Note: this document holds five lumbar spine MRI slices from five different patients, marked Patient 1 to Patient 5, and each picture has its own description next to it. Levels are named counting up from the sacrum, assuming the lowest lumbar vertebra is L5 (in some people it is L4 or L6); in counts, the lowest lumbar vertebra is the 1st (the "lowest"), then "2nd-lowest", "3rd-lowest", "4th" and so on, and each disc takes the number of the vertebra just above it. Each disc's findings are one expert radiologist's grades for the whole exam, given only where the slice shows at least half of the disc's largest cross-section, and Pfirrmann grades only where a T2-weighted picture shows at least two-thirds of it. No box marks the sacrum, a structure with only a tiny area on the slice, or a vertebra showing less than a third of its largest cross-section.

Patient 1 of 5:
Sagittal T2-weighted lumbar spine MRI, Image 1085x1120
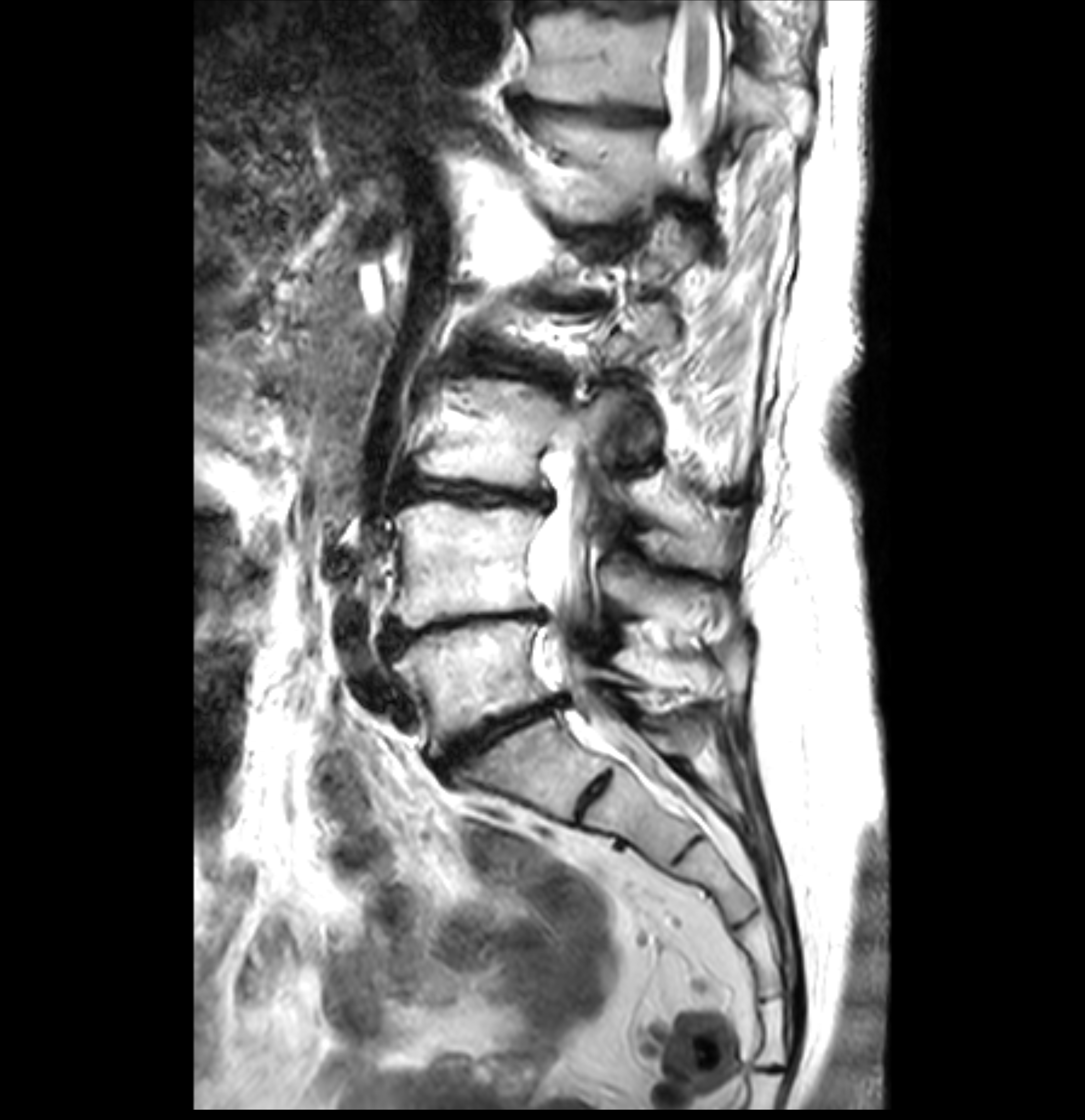 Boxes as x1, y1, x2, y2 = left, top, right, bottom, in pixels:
thecal sac / spinal canal: 535, 31, 721, 749
L4 vertebra: 387, 500, 721, 629
T12 vertebra: 526, 113, 675, 223
T11: 523, 11, 772, 149
intervertebral disc L5/S1: 438, 693, 571, 774
L1/L2: 547, 298, 600, 312
L5 vertebra: 390, 618, 632, 758
L3: 419, 378, 728, 569
intervertebral disc L4/L5: 385, 609, 547, 646
L3/L4: 405, 479, 552, 510
intervertebral disc T11/T12: 511, 93, 668, 126

Radiological gradings:
• T11/T12: Modic type II, disc bulging, upper-endplate change, disc narrowing, lower-endplate change
• L5/S1: Pfirrmann grade 5, lower-endplate change, disc bulging, upper-endplate change, disc herniation, Modic type II, disc narrowing
• L3/L4: Pfirrmann grade 5, upper-endplate change, lower-endplate change, disc narrowing, disc bulging, Modic type II

Patient 2 of 5:
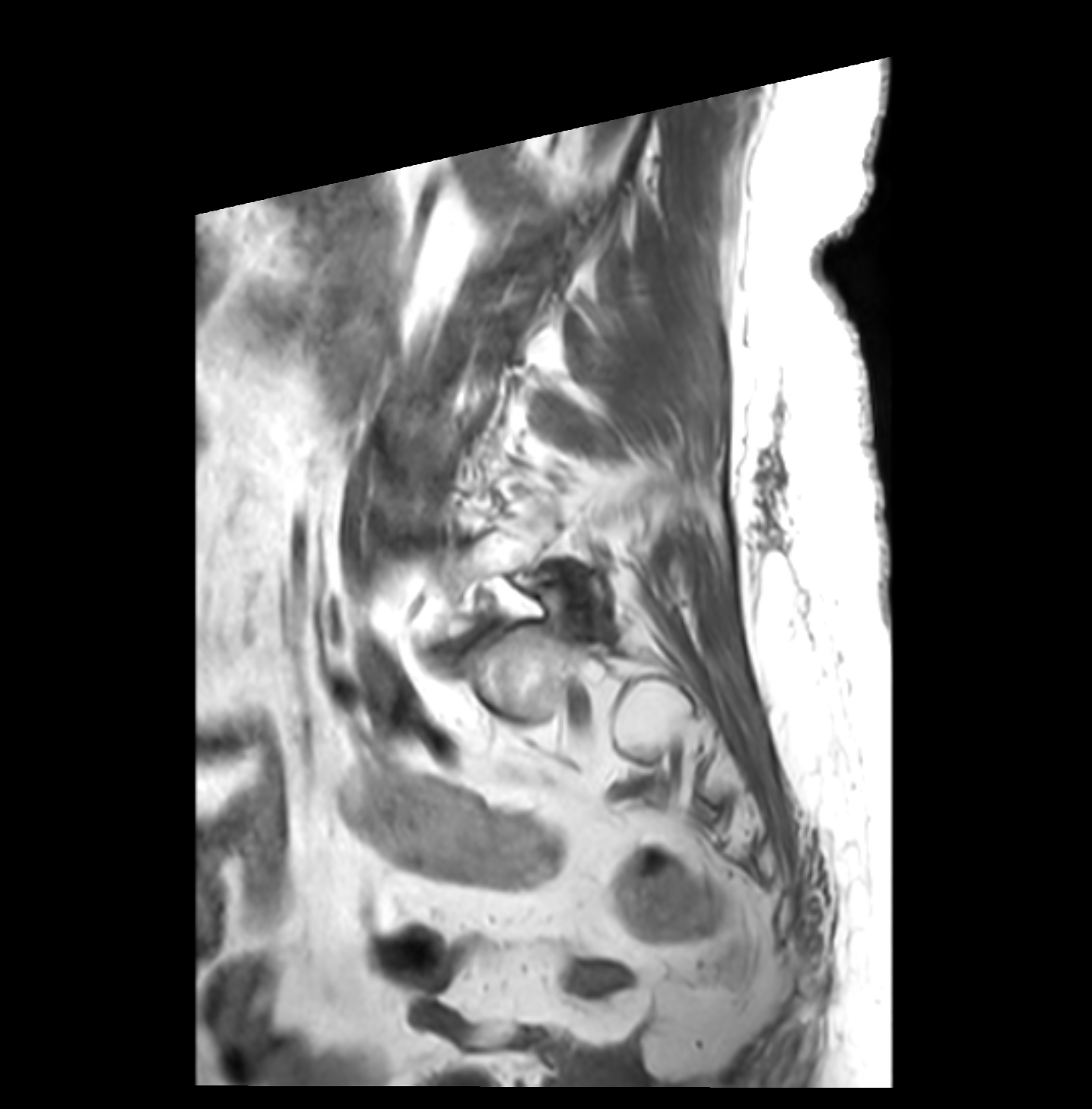 1092x1109 px | T1-weighted sagittal MRI of the lumbar spine

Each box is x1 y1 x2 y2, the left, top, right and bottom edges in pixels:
disc L5/S1 (lowest disc): 459 625 490 648 | L5 (lowest vertebra): 443 511 602 634

Patient 3 of 5:
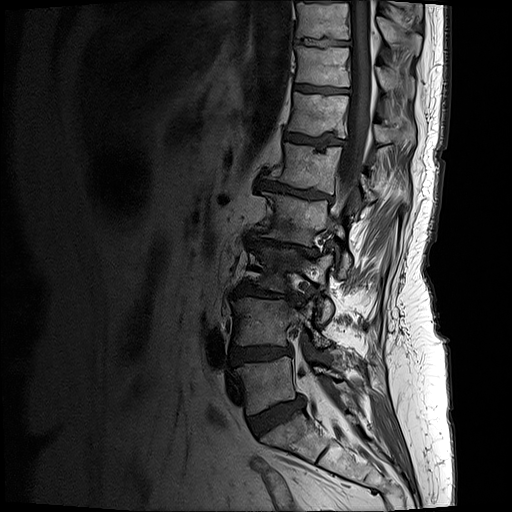
T1-weighted sagittal MRI of the lumbar spine | Sex F
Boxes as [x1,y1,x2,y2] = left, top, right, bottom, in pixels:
disc L1/L2: [258,179,330,199]
L3: [255,247,332,319]
T11 vertebra: [296,47,413,96]
L5 vertebra: [234,356,341,414]
L2/L3: [243,235,317,258]
L5/S1: [248,396,304,435]
disc L3/L4: [234,283,295,302]
L4/L5: [230,347,292,366]
T10/T11: [297,39,335,46]
thecal sac / spinal canal: [302,0,370,428]
L1 vertebra: [269,143,375,202]
T10 vertebra: [297,0,421,53]
T11/T12: [296,86,349,94]
L4 vertebra: [231,298,329,346]
L2: [262,191,350,277]
T12 vertebra: [287,92,413,150]
disc T12/L1: [285,135,344,148]

Radiological gradings:
  T11/T12: upper-endplate change, lower-endplate change
  L4/L5: disc bulging, lower-endplate change, upper-endplate change
  L2/L3: lower-endplate change, disc narrowing, upper-endplate change, Modic type II, disc bulging
  L3/L4: disc bulging, lower-endplate change, upper-endplate change, Modic type II, disc narrowing
  L1/L2: upper-endplate change, disc narrowing, Modic type II, disc bulging, lower-endplate change
  T10/T11: lower-endplate change, upper-endplate change
  T12/L1: upper-endplate change, Modic type II, lower-endplate change
  L5/S1: disc bulging

Patient 4 of 5:
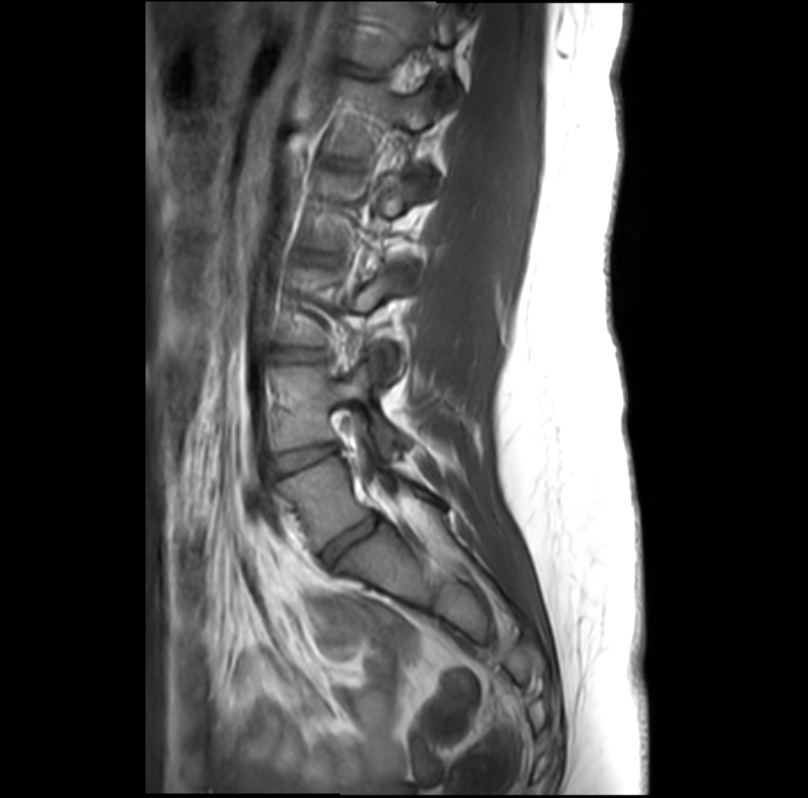
Sex F | MRI lumbar spine (T1-weighted), sagittal plane | Image 808x798

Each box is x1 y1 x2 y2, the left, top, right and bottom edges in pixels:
intervertebral disc L3/L4: 274 349 328 361
intervertebral disc L1/L2: 325 156 356 167
intervertebral disc T12/L1: 339 62 381 76
L4: 273 362 405 456
thecal sac / spinal canal: 386 11 434 496
L1: 326 78 435 155
L5/S1: 324 515 381 561
L4/L5: 277 443 338 471
L2/L3: 303 252 328 262
L5 vertebra: 278 457 446 549
T12 vertebra: 343 5 465 103

Degenerative findings by level:
  L5/S1: disc narrowing
  L4/L5: no herniation, bulging, narrowing, spondylolisthesis, endplate or Modic change recorded

Patient 5 of 5:
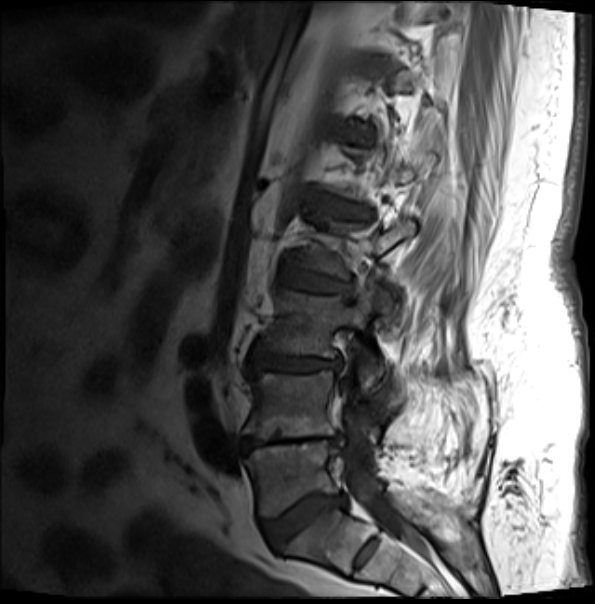
Image 595x604. Slice spacing 4.9 mm. Sagittal T1-weighted lumbar spine MRI.

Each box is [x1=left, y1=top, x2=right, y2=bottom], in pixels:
lowest vertebra: [x1=246, y1=441, x2=410, y2=517]
lowest disc: [x1=262, y1=494, x2=345, y2=550]
thecal sac / spinal canal: [x1=340, y1=382, x2=423, y2=551]
2nd-lowest disc: [x1=242, y1=436, x2=339, y2=453]
3rd-lowest disc: [x1=253, y1=354, x2=338, y2=373]
2nd-lowest vertebra: [x1=244, y1=372, x2=379, y2=440]
3rd-lowest vertebra: [x1=257, y1=284, x2=384, y2=385]
4th disc: [x1=292, y1=277, x2=341, y2=292]

Degenerative findings by level:
- 2nd-lowest disc: disc narrowing, disc bulging, Modic type II, lower-endplate change, upper-endplate change
- 4th disc: disc bulging, upper-endplate change, Modic type II, lower-endplate change
- lowest disc: upper-endplate change, disc narrowing, disc bulging, Modic type II, lower-endplate change
- 3rd-lowest disc: disc narrowing, disc bulging, lower-endplate change, Modic type II, upper-endplate change